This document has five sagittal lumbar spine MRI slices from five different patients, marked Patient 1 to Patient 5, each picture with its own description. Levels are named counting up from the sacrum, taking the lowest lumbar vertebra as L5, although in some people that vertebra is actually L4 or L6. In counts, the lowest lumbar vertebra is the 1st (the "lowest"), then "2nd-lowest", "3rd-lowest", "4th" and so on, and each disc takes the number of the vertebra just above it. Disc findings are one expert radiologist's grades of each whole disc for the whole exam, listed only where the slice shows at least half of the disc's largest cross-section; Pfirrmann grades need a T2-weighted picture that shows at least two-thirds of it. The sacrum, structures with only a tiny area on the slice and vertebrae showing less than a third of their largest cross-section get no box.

Patient 1 of 5:
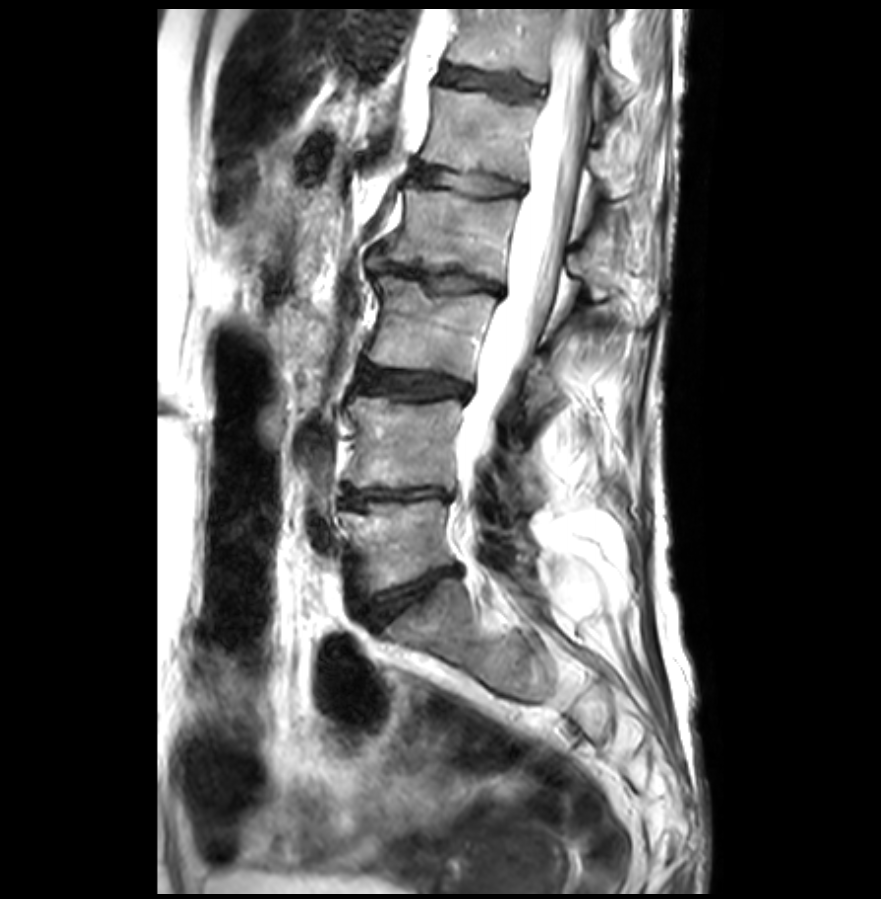 T2-weighted sagittal MRI of the lumbar spine. Slice 18 of 31.
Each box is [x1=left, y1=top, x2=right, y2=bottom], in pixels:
Lowest vertebra — [x1=340, y1=498, x2=534, y2=590].
4th vertebra — [x1=384, y1=187, x2=628, y2=299].
2nd-lowest vertebra — [x1=344, y1=396, x2=538, y2=501].
5th vertebra — [x1=421, y1=88, x2=632, y2=197].
5th disc — [x1=415, y1=168, x2=520, y2=195].
Spinal canal — [x1=454, y1=19, x2=587, y2=521].
3rd-lowest vertebra — [x1=368, y1=275, x2=564, y2=417].
6th vertebra — [x1=446, y1=9, x2=632, y2=111].
4th disc — [x1=366, y1=248, x2=501, y2=295].
6th disc — [x1=439, y1=68, x2=544, y2=98].
Lowest disc — [x1=364, y1=568, x2=457, y2=619].
2nd-lowest disc — [x1=340, y1=487, x2=449, y2=508].
3rd-lowest disc — [x1=360, y1=366, x2=467, y2=397].

Expert MSK radiologist gradings (per disc):
  lowest disc: lower-endplate change, upper-endplate change, disc narrowing, disc bulging
  5th disc: Pfirrmann grade 2, lower-endplate change, upper-endplate change, Modic type II
  3rd-lowest disc: Pfirrmann grade 3, disc bulging, Modic type II
  6th disc: Pfirrmann grade 2, upper-endplate change, lower-endplate change
  2nd-lowest disc: Pfirrmann grade 5, disc narrowing, disc bulging, Modic type II
  4th disc: Pfirrmann grade 5, Modic type II, disc narrowing, upper-endplate change, lower-endplate change, disc bulging, disc herniation

Patient 2 of 5:
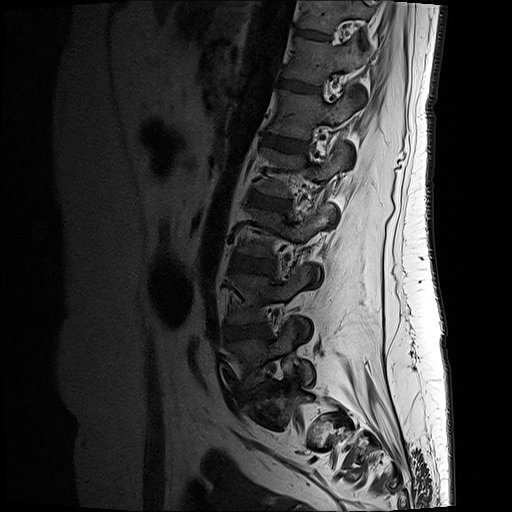 Slice spacing 3.3 mm, Sagittal T1-weighted lumbar spine MRI
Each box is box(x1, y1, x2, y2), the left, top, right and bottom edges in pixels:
{"6th disc": "box(281, 79, 320, 91)", "5th vertebra": "box(270, 88, 352, 138)", "2nd-lowest vertebra": "box(228, 266, 309, 333)", "7th disc": "box(298, 30, 328, 39)", "7th vertebra": "box(302, 0, 373, 33)", "4th disc": "box(249, 193, 289, 211)", "5th disc": "box(266, 135, 308, 151)", "6th vertebra": "box(283, 37, 365, 83)", "lowest disc": "box(239, 381, 270, 401)", "2nd-lowest disc": "box(224, 324, 269, 340)", "3rd-lowest disc": "box(231, 255, 276, 273)", "4th vertebra": "box(258, 144, 345, 197)", "lowest vertebra": "box(229, 322, 314, 388)", "3rd-lowest vertebra": "box(239, 203, 334, 274)"}

Per-level radiological findings:
- 5th disc, 3rd-lowest disc: no Modic or endplate change, herniation, narrowing, bulging or spondylolisthesis recorded

Patient 3 of 5:
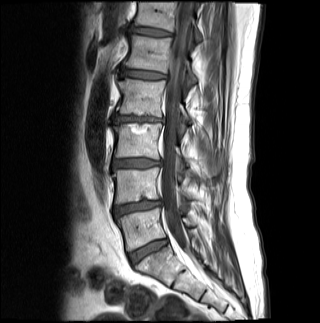

Sex M. Lumbar spine MR, T1-weighted, sagittal. Sagittal slice index 9.

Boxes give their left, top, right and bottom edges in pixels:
5th disc at left=121, top=67, right=165, bottom=78; 6th vertebra at left=135, top=1, right=201, bottom=41; 2nd-lowest vertebra at left=112, top=167, right=199, bottom=204; 3rd-lowest vertebra at left=114, top=124, right=189, bottom=166; 2nd-lowest disc at left=113, top=201, right=160, bottom=217; 3rd-lowest disc at left=112, top=158, right=161, bottom=168; lowest vertebra at left=117, top=208, right=203, bottom=251; 6th disc at left=131, top=25, right=170, bottom=36; 5th vertebra at left=123, top=34, right=196, bottom=87; 4th vertebra at left=116, top=79, right=192, bottom=130; lowest disc at left=129, top=239, right=167, bottom=264; thecal sac / spinal canal at left=161, top=1, right=192, bottom=251; 4th disc at left=113, top=115, right=162, bottom=123.

Per-level radiological findings:
- 4th disc: Modic type II, upper-endplate change, disc bulging, lower-endplate change, disc narrowing
- 5th disc: lower-endplate change, upper-endplate change
- 3rd-lowest disc: disc bulging
- 2nd-lowest disc: disc narrowing, disc bulging, lower-endplate change
- lowest disc, 6th disc: no spondylolisthesis, narrowing, bulging, herniation, Modic or endplate change recorded

Patient 4 of 5:
Lumbar spine MR, T2-weighted, sagittal; Patient sex: F; Slice 8 of 22
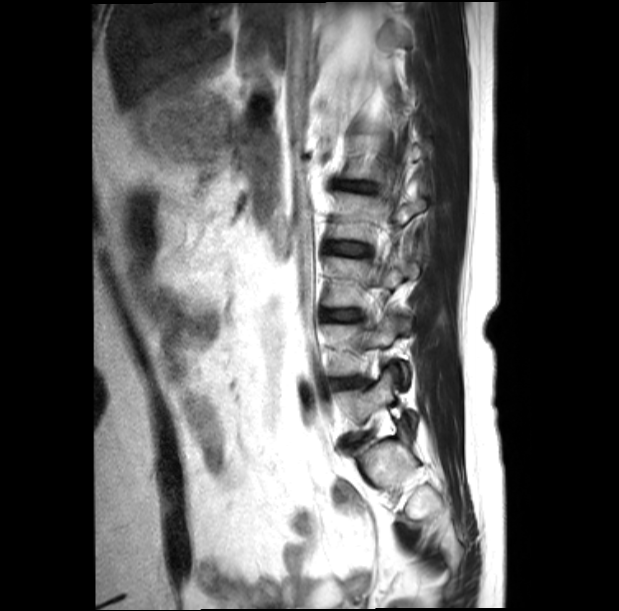 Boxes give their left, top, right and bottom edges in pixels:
{"L1 (5th vertebra)": "left=346, top=135, right=422, bottom=179", "intervertebral disc L1/L2 (5th disc)": "left=339, top=183, right=374, bottom=192", "intervertebral disc L4/L5 (2nd-lowest disc)": "left=333, top=378, right=358, bottom=386", "intervertebral disc L3/L4 (3rd-lowest disc)": "left=323, top=310, right=360, bottom=320", "L4 (2nd-lowest vertebra)": "left=323, top=318, right=411, bottom=385", "intervertebral disc L2/L3 (4th disc)": "left=328, top=242, right=369, bottom=256", "L2 (4th vertebra)": "left=331, top=192, right=425, bottom=242", "L5 (lowest vertebra)": "left=334, top=371, right=416, bottom=421", "L3 (3rd-lowest vertebra)": "left=324, top=257, right=417, bottom=306"}

Per-level radiological findings:
• L1/L2 (5th disc): disc narrowing, disc bulging
• L2/L3 (4th disc): Pfirrmann grade 2
• L3/L4 (3rd-lowest disc): no Modic or endplate change, herniation, narrowing, bulging or spondylolisthesis recorded

Patient 5 of 5:
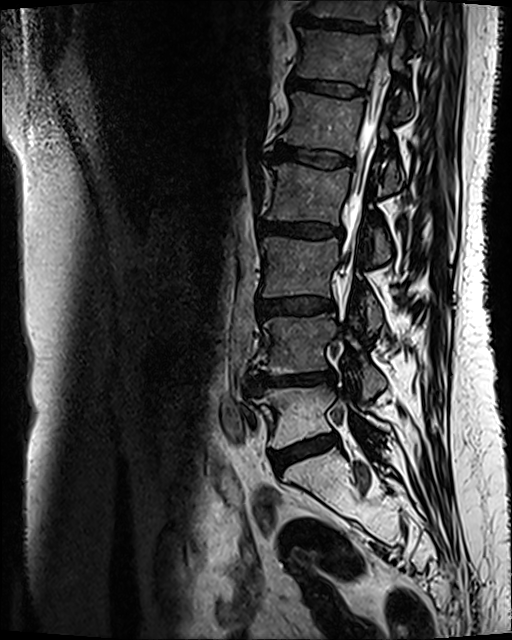
Sagittal slice index 78, Lumbar spine MR, T2 SPACE (3D), sagittal
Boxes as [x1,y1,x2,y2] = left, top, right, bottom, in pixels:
T12 (6th vertebra): [297,30,411,115].
L3 (3rd-lowest vertebra): [261,236,381,329].
L4 (2nd-lowest vertebra): [251,314,385,398].
T11 (7th vertebra): [310,0,422,38].
IVD L1/L2 (5th disc): [269,141,350,167].
Spinal canal: [339,55,387,278].
L3/L4 (3rd-lowest disc): [257,298,334,316].
L5 (lowest vertebra): [254,385,387,447].
L2 (4th vertebra): [267,164,391,262].
IVD L4/L5 (2nd-lowest disc): [245,370,335,392].
L5/S1 (lowest disc): [271,435,337,472].
IVD L2/L3 (4th disc): [260,222,343,237].
L1 (5th vertebra): [282,92,401,192].
IVD T12/L1 (6th disc): [289,78,362,96].
T11/T12 (7th disc): [298,14,371,30].

Degenerative findings by level:
  L2/L3 (4th disc): Pfirrmann grade 3, Modic type II, disc bulging
  L5/S1 (lowest disc): disc bulging, Modic type II
  T12/L1 (6th disc): Pfirrmann grade 3, Modic type II
  L1/L2 (5th disc): Pfirrmann grade 3, Modic type II
  T11/T12 (7th disc): Pfirrmann grade 4, lower-endplate change, upper-endplate change, Modic type II
  L4/L5 (2nd-lowest disc): disc narrowing, lower-endplate change, upper-endplate change, disc bulging, Modic type II
  L3/L4 (3rd-lowest disc): Pfirrmann grade 3, disc bulging, Modic type II